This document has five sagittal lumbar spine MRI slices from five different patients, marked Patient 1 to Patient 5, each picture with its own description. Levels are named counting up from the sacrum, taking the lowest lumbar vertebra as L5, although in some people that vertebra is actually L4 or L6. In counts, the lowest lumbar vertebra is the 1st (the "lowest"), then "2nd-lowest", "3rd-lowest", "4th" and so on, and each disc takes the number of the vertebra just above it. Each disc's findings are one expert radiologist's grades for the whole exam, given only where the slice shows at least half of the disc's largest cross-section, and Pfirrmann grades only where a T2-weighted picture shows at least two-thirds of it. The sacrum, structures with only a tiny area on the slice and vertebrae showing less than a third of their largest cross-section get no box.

Patient 1 of 5:
512x653 px | T2 SPACE (3D) sagittal MRI of the lumbar spine
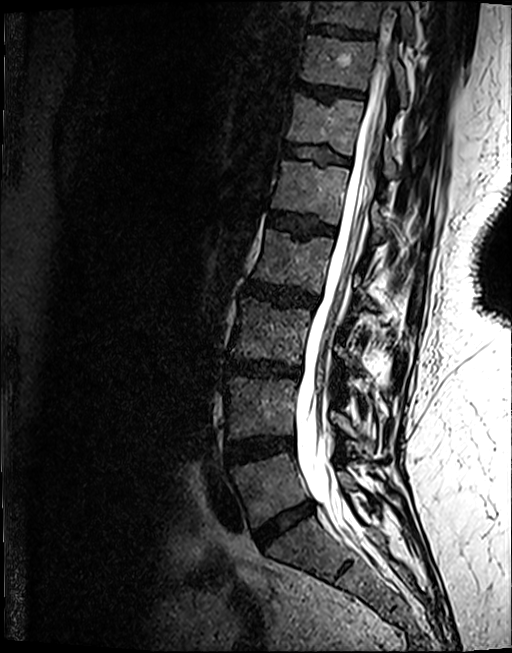

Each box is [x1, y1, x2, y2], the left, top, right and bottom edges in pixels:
T10 vertebra: [311, 0, 413, 37].
L4 vertebra: [225, 377, 373, 451].
Intervertebral disc T11/T12: [294, 81, 363, 98].
T12 vertebra: [287, 93, 398, 177].
Intervertebral disc L5/S1: [255, 501, 314, 547].
L3/L4: [228, 359, 300, 377].
L1/L2: [268, 211, 334, 236].
L1 vertebra: [271, 159, 387, 240].
T11: [300, 34, 407, 105].
Intervertebral disc T10/T11: [310, 24, 373, 37].
Intervertebral disc T12/L1: [283, 144, 349, 163].
Spinal canal: [296, 4, 396, 540].
L3: [232, 296, 358, 366].
L2/L3: [244, 280, 316, 307].
L4/L5: [225, 435, 293, 462].
L2: [252, 228, 372, 305].
L5 vertebra: [230, 452, 357, 527].

Expert MSK radiologist gradings (per disc):
- T11/T12: Pfirrmann grade 4, upper-endplate change
- T10/T11: Pfirrmann grade 4, lower-endplate change, upper-endplate change
- L2/L3: Pfirrmann grade 4, upper-endplate change, disc bulging, lower-endplate change
- L3/L4: Pfirrmann grade 4, disc bulging, upper-endplate change, lower-endplate change, Modic type II, disc narrowing
- T12/L1: Pfirrmann grade 3, upper-endplate change, lower-endplate change
- L5/S1: Pfirrmann grade 4, disc bulging, disc narrowing
- L4/L5: Pfirrmann grade 4, Modic type II, disc bulging, lower-endplate change
- L1/L2: Pfirrmann grade 4, lower-endplate change, Modic type II, upper-endplate change

Patient 2 of 5:
Image 512x640, Lumbar spine MR, T2 SPACE (3D), sagittal, Slice 66/120

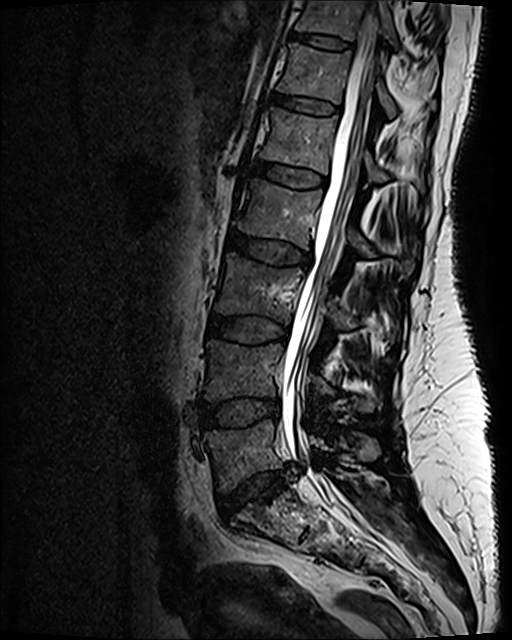
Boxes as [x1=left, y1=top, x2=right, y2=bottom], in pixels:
Annotations:
* T11/T12: [x1=289, y1=32, x2=352, y2=50]
* T11: [x1=296, y1=0, x2=440, y2=51]
* L4/L5: [x1=200, y1=399, x2=280, y2=426]
* intervertebral disc T12/L1: [x1=273, y1=94, x2=340, y2=114]
* L5 vertebra: [x1=204, y1=421, x2=379, y2=491]
* L1/L2: [x1=251, y1=161, x2=326, y2=187]
* L3/L4: [x1=208, y1=315, x2=286, y2=343]
* L4 vertebra: [x1=204, y1=340, x2=373, y2=411]
* L1 vertebra: [x1=260, y1=108, x2=424, y2=193]
* L2/L3: [x1=227, y1=232, x2=311, y2=266]
* spinal canal: [x1=282, y1=0, x2=377, y2=516]
* L3 vertebra: [x1=214, y1=254, x2=353, y2=329]
* L2 vertebra: [x1=232, y1=179, x2=413, y2=275]
* intervertebral disc L5/S1: [x1=221, y1=472, x2=287, y2=520]
* T12 vertebra: [x1=278, y1=43, x2=434, y2=117]

Degenerative findings by level:
  T12/L1: Pfirrmann grade 2
  T11/T12: Pfirrmann grade 2
  L1/L2: Pfirrmann grade 2
  L5/S1: Pfirrmann grade 3, disc herniation, lower-endplate change, disc narrowing, upper-endplate change
  L3/L4: Pfirrmann grade 3
  L2/L3: Pfirrmann grade 3, disc bulging
  L4/L5: Pfirrmann grade 3, disc bulging

Patient 3 of 5:
MRI lumbar spine (T2 SPACE (3D)), sagittal plane, Patient sex: M, 512x640 px
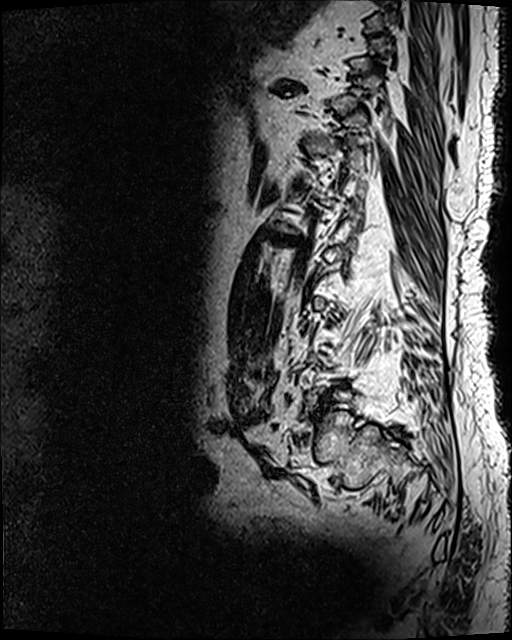

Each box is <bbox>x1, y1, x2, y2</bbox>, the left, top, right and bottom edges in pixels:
Disc T12/L1 (6th disc): <bbox>292, 180, 307, 187</bbox>.
Disc T10/T11 (8th disc): <bbox>276, 85, 297, 90</bbox>.
L1/L2 (5th disc): <bbox>262, 230, 306, 246</bbox>.

Patient 4 of 5:
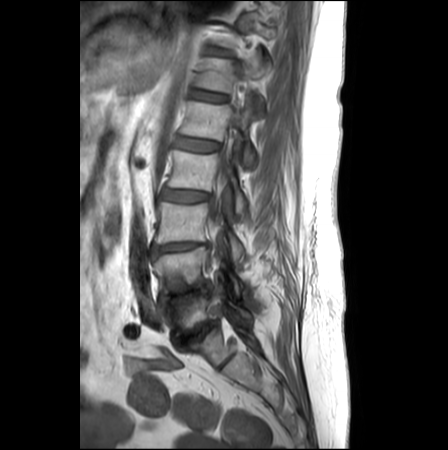

Slice 10/26, Field of view 280x281 mm, MRI lumbar spine (T1-weighted), sagittal plane
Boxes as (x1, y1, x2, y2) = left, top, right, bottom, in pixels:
L1 vertebra: (181, 100, 254, 166) | L4/L5: (160, 281, 212, 303) | disc L5/S1: (175, 320, 217, 344) | disc L3/L4: (151, 242, 207, 253) | T12/L1: (193, 91, 226, 101) | spinal canal: (209, 138, 233, 264) | L5 vertebra: (162, 281, 250, 336) | L2: (169, 150, 246, 213) | T12 vertebra: (197, 58, 270, 91) | L4: (152, 247, 243, 296) | L3: (155, 202, 244, 261) | L1/L2: (176, 136, 217, 151) | disc L2/L3: (161, 189, 208, 201)

Expert MSK radiologist gradings (per disc):
  L3/L4: upper-endplate change, lower-endplate change, disc narrowing, disc bulging
  L5/S1: disc bulging, disc narrowing, lower-endplate change, Modic type II, upper-endplate change
  L4/L5: disc narrowing, disc bulging
  L2/L3: disc bulging
  L1/L2, T12/L1: no spondylolisthesis, narrowing, bulging, herniation, Modic or endplate change recorded

Patient 5 of 5:
Patient sex: M. MRI lumbar spine (T1-weighted), sagittal plane. Image 448x448. Sagittal slice index 19. 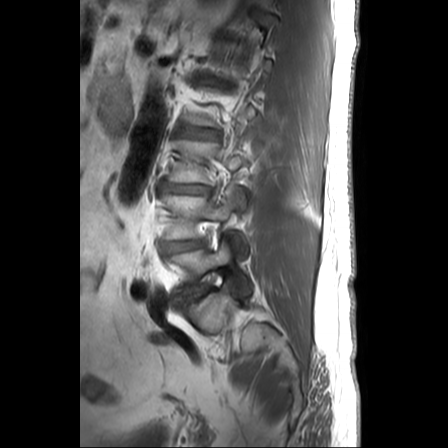
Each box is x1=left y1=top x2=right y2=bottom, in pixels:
• L4 (2nd-lowest vertebra): x1=161 y1=188 x2=245 y2=249
• L3/L4 (3rd-lowest disc): x1=161 y1=183 x2=210 y2=194
• L4/L5 (2nd-lowest disc): x1=161 y1=240 x2=204 y2=253
• L5 (lowest vertebra): x1=167 y1=239 x2=251 y2=294
• intervertebral disc L2/L3 (4th disc): x1=179 y1=127 x2=216 y2=138
• intervertebral disc L5/S1 (lowest disc): x1=176 y1=284 x2=204 y2=302
• L3 (3rd-lowest vertebra): x1=169 y1=140 x2=245 y2=183

Radiological gradings:
  L5/S1 (lowest disc): disc bulging, disc narrowing
  L4/L5 (2nd-lowest disc): disc bulging
  L3/L4 (3rd-lowest disc): disc herniation, disc narrowing